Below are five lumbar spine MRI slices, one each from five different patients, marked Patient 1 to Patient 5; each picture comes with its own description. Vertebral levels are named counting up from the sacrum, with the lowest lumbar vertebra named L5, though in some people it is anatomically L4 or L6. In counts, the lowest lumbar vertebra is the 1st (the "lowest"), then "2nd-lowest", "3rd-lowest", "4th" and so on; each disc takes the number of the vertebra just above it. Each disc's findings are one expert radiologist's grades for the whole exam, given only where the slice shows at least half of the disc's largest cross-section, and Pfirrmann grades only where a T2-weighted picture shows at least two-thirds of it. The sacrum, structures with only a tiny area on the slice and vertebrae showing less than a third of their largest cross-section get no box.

Patient 1 of 5:
Patient sex: M | Lumbar spine MR, T2-weighted, sagittal

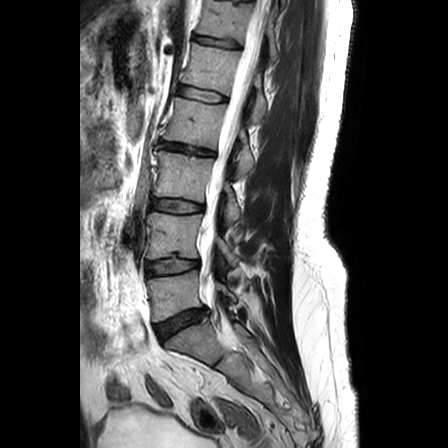 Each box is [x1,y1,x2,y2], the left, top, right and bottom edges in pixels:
• 6th vertebra at [197,0,278,61]
• lowest disc at [155,310,206,339]
• lowest vertebra at [148,270,236,321]
• 4th vertebra at [163,97,254,176]
• 6th disc at [194,34,238,47]
• 3rd-lowest disc at [152,198,202,212]
• 5th disc at [178,85,225,101]
• 2nd-lowest disc at [147,258,198,274]
• 3rd-lowest vertebra at [154,151,240,225]
• thecal sac / spinal canal at [201,0,271,320]
• 5th vertebra at [182,43,266,120]
• 4th disc at [159,142,213,155]
• 2nd-lowest vertebra at [147,212,236,265]

Radiological gradings:
  6th disc: Pfirrmann grade 2, upper-endplate change, lower-endplate change
  2nd-lowest disc: Pfirrmann grade 2, lower-endplate change
  5th disc: Pfirrmann grade 1
  4th disc: Pfirrmann grade 4, lower-endplate change, upper-endplate change, disc narrowing, disc bulging
  3rd-lowest disc: Pfirrmann grade 2, upper-endplate change
  lowest disc: Pfirrmann grade 3, disc herniation

Patient 2 of 5:
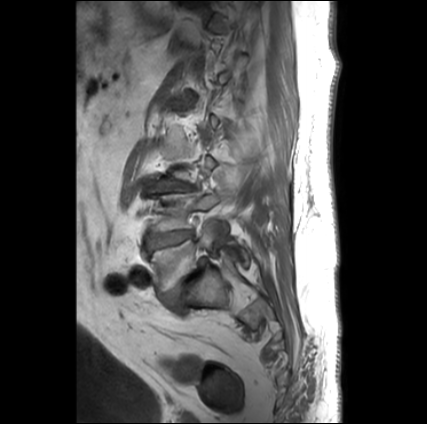 Patient sex: M. Field of view 284x281 mm, slice spacing 3.3 mm. Slice 22 of 30. T1-weighted sagittal MRI of the lumbar spine.
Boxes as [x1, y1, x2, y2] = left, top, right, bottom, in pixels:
Annotations:
• L3/L4: [157, 184, 194, 191]
• L4 vertebra: [149, 192, 227, 235]
• intervertebral disc L5/S1: [163, 258, 206, 310]
• L5 vertebra: [150, 221, 248, 292]
• intervertebral disc L4/L5: [145, 230, 193, 253]

Radiological gradings:
  L4/L5: Modic type II
  L5/S1: disc bulging, lower-endplate change, spondylolisthesis, Modic type II, disc narrowing, upper-endplate change

Patient 3 of 5:
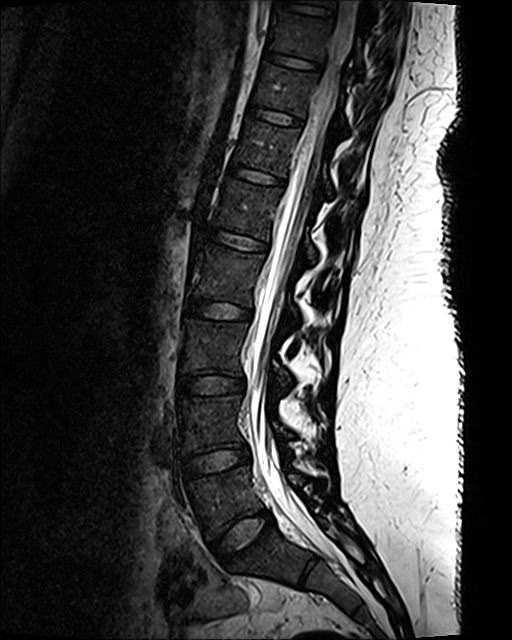 Field of view 240x300 mm. MRI lumbar spine (T2 SPACE (3D)), sagittal plane.

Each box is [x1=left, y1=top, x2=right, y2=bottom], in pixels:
disc L4/L5 (2nd-lowest disc): [x1=182, y1=445, x2=250, y2=478] | L3/L4 (3rd-lowest disc): [x1=178, y1=375, x2=245, y2=395] | T12/L1 (6th disc): [x1=229, y1=165, x2=283, y2=185] | T11/T12 (7th disc): [x1=248, y1=106, x2=301, y2=126] | T12 (6th vertebra): [x1=234, y1=120, x2=332, y2=196] | L2 (4th vertebra): [x1=192, y1=246, x2=299, y2=324] | L2/L3 (4th disc): [x1=186, y1=298, x2=251, y2=319] | T10 (8th vertebra): [x1=270, y1=11, x2=361, y2=72] | L1 (5th vertebra): [x1=215, y1=179, x2=315, y2=261] | L5 (lowest vertebra): [x1=187, y1=466, x2=305, y2=535] | disc L1/L2 (5th disc): [x1=206, y1=229, x2=266, y2=250] | T11 (7th vertebra): [x1=253, y1=65, x2=345, y2=129] | L5/S1 (lowest disc): [x1=211, y1=510, x2=273, y2=564] | L4 (2nd-lowest vertebra): [x1=178, y1=396, x2=292, y2=452] | spinal canal: [x1=248, y1=0, x2=357, y2=560] | disc T10/T11 (8th disc): [x1=265, y1=51, x2=320, y2=69] | L3 (3rd-lowest vertebra): [x1=180, y1=317, x2=290, y2=389]

Per-level radiological findings:
- T12/L1 (6th disc): Pfirrmann grade 1
- L4/L5 (2nd-lowest disc): Pfirrmann grade 1
- L1/L2 (5th disc): Pfirrmann grade 1
- L5/S1 (lowest disc): Pfirrmann grade 1
- L3/L4 (3rd-lowest disc): Pfirrmann grade 1
- L2/L3 (4th disc): Pfirrmann grade 1
- T11/T12 (7th disc): Pfirrmann grade 1
- T10/T11 (8th disc): Pfirrmann grade 1

Patient 4 of 5:
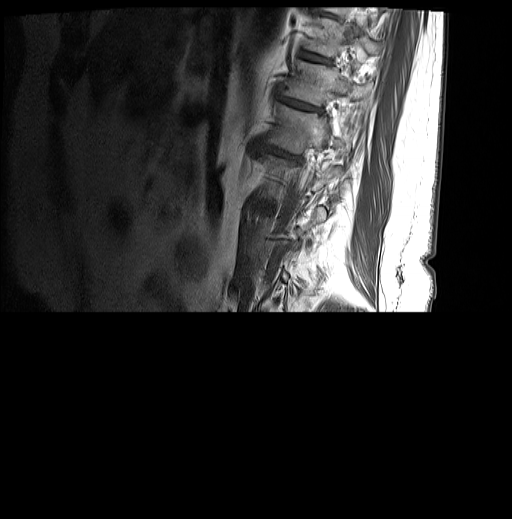

Image 512x519, MRI lumbar spine (T1-weighted), sagittal plane

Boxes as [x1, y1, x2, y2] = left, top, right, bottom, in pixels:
Structures:
* IVD T11/T12 — [281, 98, 317, 110]
* T10 vertebra — [308, 19, 383, 56]
* T12 — [270, 104, 340, 154]
* T11 — [281, 61, 370, 105]
* IVD T10/T11 — [304, 52, 328, 62]
* IVD T12/L1 — [269, 149, 294, 158]

Degenerative findings by level:
  T11/T12: disc bulging, upper-endplate change, disc narrowing, lower-endplate change, Modic type II

Patient 5 of 5:
Field of view 260x263 mm | T1-weighted sagittal MRI of the lumbar spine | Sagittal slice index 11 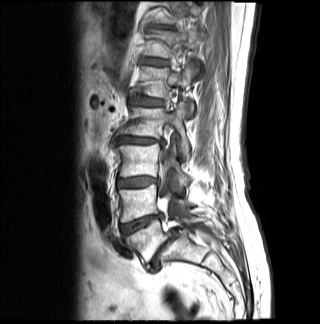
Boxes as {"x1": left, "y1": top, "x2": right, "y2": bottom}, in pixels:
L4 (2nd-lowest vertebra): {"x1": 119, "y1": 184, "x2": 189, "y2": 222}
L5/S1 (lowest disc): {"x1": 148, "y1": 228, "x2": 178, "y2": 272}
T11 (7th vertebra): {"x1": 153, "y1": 1, "x2": 201, "y2": 25}
L5 (lowest vertebra): {"x1": 126, "y1": 216, "x2": 208, "y2": 262}
L3/L4 (3rd-lowest disc): {"x1": 117, "y1": 177, "x2": 158, "y2": 187}
L1/L2 (5th disc): {"x1": 130, "y1": 96, "x2": 163, "y2": 106}
L4/L5 (2nd-lowest disc): {"x1": 120, "y1": 213, "x2": 162, "y2": 234}
L1 (5th vertebra): {"x1": 137, "y1": 62, "x2": 194, "y2": 115}
L3 (3rd-lowest vertebra): {"x1": 115, "y1": 143, "x2": 191, "y2": 185}
T12/L1 (6th disc): {"x1": 142, "y1": 58, "x2": 168, "y2": 65}
L2 (4th vertebra): {"x1": 118, "y1": 101, "x2": 189, "y2": 157}
T12 (6th vertebra): {"x1": 144, "y1": 28, "x2": 204, "y2": 65}
intervertebral disc L2/L3 (4th disc): {"x1": 117, "y1": 136, "x2": 163, "y2": 144}
thecal sac / spinal canal: {"x1": 160, "y1": 151, "x2": 189, "y2": 225}

Degenerative findings by level:
- L3/L4 (3rd-lowest disc): disc bulging
- L4/L5 (2nd-lowest disc): Modic type II, disc narrowing
- L1/L2 (5th disc): disc bulging, lower-endplate change
- L5/S1 (lowest disc): disc narrowing, upper-endplate change, lower-endplate change, disc bulging, disc herniation, spondylolisthesis, Modic type II
- L2/L3 (4th disc): disc bulging, Modic type II, disc narrowing
- T12/L1 (6th disc): no spondylolisthesis, narrowing, bulging, herniation, Modic or endplate change recorded